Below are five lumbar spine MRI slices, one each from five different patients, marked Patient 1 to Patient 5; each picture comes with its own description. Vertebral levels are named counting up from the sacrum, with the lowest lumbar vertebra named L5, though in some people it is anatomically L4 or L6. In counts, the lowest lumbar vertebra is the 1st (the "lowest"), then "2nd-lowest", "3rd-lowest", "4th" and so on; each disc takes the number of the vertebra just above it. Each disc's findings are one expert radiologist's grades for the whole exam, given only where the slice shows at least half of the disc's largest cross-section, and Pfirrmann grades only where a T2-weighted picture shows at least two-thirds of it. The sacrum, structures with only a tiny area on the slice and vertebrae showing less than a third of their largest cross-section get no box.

Patient 1 of 5:
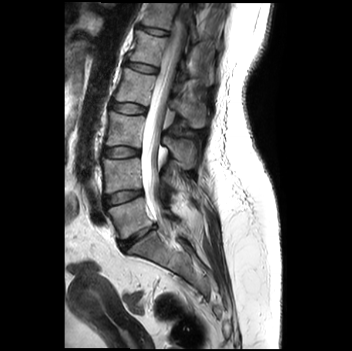 Slice spacing 3.2 mm | MRI lumbar spine (T2-weighted), sagittal plane | Patient sex: F

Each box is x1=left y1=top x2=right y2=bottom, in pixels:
thecal sac / spinal canal: x1=141 y1=3 x2=187 y2=221
L3 vertebra: x1=105 y1=111 x2=195 y2=168
L3/L4: x1=103 y1=147 x2=139 y2=157
T12 vertebra: x1=143 y1=3 x2=198 y2=42
disc L5/S1: x1=119 y1=224 x2=155 y2=249
L4/L5: x1=104 y1=191 x2=142 y2=207
L4 vertebra: x1=102 y1=158 x2=173 y2=193
disc L2/L3: x1=110 y1=101 x2=145 y2=113
disc L1/L2: x1=126 y1=62 x2=157 y2=72
L5 vertebra: x1=107 y1=197 x2=179 y2=238
T12/L1: x1=139 y1=25 x2=168 y2=35
L1 vertebra: x1=130 y1=30 x2=213 y2=84
L2: x1=114 y1=68 x2=205 y2=127

Expert MSK radiologist gradings (per disc):
- L4/L5: Pfirrmann grade 2
- L5/S1: Pfirrmann grade 4, Modic type II, disc narrowing, lower-endplate change, upper-endplate change
- L1/L2: Pfirrmann grade 1
- L3/L4: Pfirrmann grade 1
- T12/L1: Pfirrmann grade 1
- L2/L3: Pfirrmann grade 1

Patient 2 of 5:
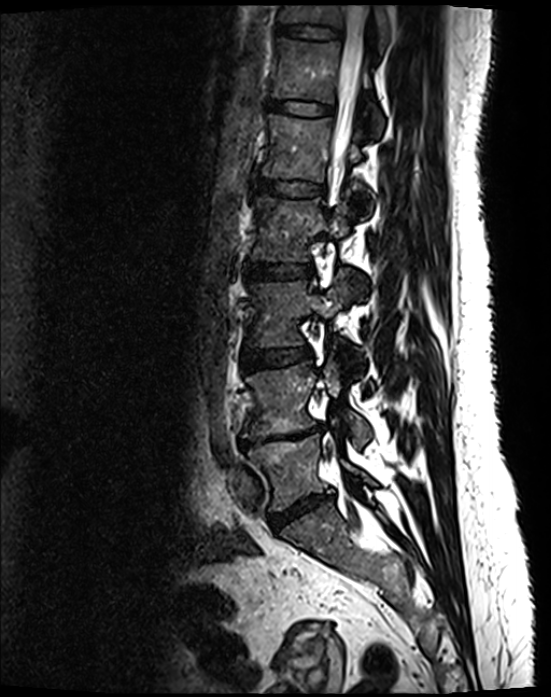

Slice spacing 0.9 mm, Slice 83 of 130, Patient sex: F, Sagittal T2 SPACE (3D) lumbar spine MRI
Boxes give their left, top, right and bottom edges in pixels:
{"spinal canal": "left=329, top=5, right=369, bottom=189", "T12": "left=271, top=37, right=384, bottom=136", "intervertebral disc L1/L2": "left=255, top=178, right=324, bottom=195", "L2/L3": "left=242, top=263, right=313, bottom=279", "L5 vertebra": "left=248, top=435, right=375, bottom=511", "intervertebral disc L5/S1": "left=269, top=495, right=333, bottom=529", "intervertebral disc L4/L5": "left=239, top=424, right=323, bottom=448", "intervertebral disc T12/L1": "left=267, top=99, right=333, bottom=115", "L2 vertebra": "left=249, top=196, right=363, bottom=289", "L4 vertebra": "left=242, top=358, right=370, bottom=446", "T11": "left=279, top=5, right=390, bottom=51", "L1 vertebra": "left=262, top=114, right=373, bottom=209", "intervertebral disc L3/L4": "left=241, top=346, right=311, bottom=369", "L3 vertebra": "left=247, top=273, right=362, bottom=366", "intervertebral disc T11/T12": "left=277, top=25, right=341, bottom=37"}

Degenerative findings by level:
  L3/L4: Pfirrmann grade 2
  L5/S1: disc narrowing, disc bulging
  L4/L5: Pfirrmann grade 5, disc narrowing, Modic type II, lower-endplate change, disc bulging, upper-endplate change
  L2/L3: Pfirrmann grade 2
  L1/L2: Pfirrmann grade 2
  T12/L1: Pfirrmann grade 2
  T11/T12: Pfirrmann grade 2

Patient 3 of 5:
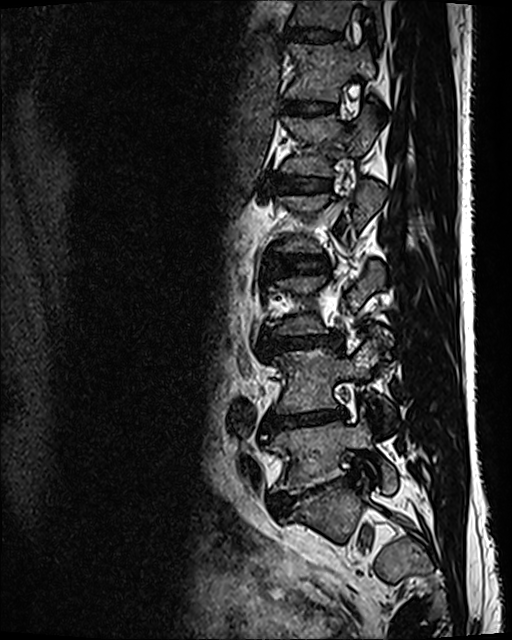 Patient sex: M; Image 512x640; Slice 38 of 120; MRI lumbar spine (T2 SPACE (3D)), sagittal plane
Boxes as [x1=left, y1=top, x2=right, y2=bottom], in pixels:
2nd-lowest disc at [x1=267, y1=408, x2=346, y2=430].
7th disc at [x1=283, y1=28, x2=342, y2=42].
Lowest disc at [x1=271, y1=480, x2=335, y2=513].
4th disc at [x1=272, y1=255, x2=324, y2=276].
5th disc at [x1=270, y1=175, x2=330, y2=192].
2nd-lowest vertebra at [x1=273, y1=333, x2=391, y2=424].
6th vertebra at [x1=285, y1=42, x2=375, y2=101].
7th vertebra at [x1=289, y1=0, x2=384, y2=43].
Lowest vertebra at [x1=267, y1=406, x2=396, y2=494].
5th vertebra at [x1=281, y1=107, x2=378, y2=176].
6th disc at [x1=282, y1=99, x2=335, y2=115].
3rd-lowest disc at [x1=262, y1=335, x2=327, y2=350].

Per-level radiological findings:
• 5th disc: Pfirrmann grade 2
• 6th disc: Pfirrmann grade 2
• 2nd-lowest disc: Pfirrmann grade 5, lower-endplate change, Modic type II, disc bulging, disc narrowing
• 3rd-lowest disc: disc bulging, disc narrowing
• 7th disc: Pfirrmann grade 2
• 4th disc: no herniation, bulging, narrowing, spondylolisthesis, endplate or Modic change recorded

Patient 4 of 5:
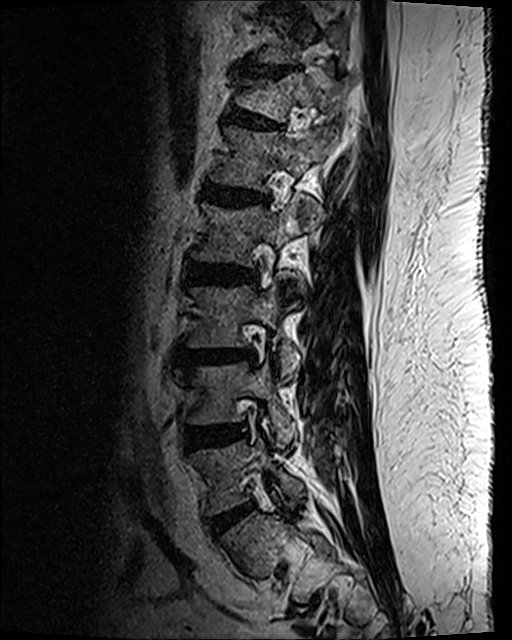

Sagittal slice index 78; Lumbar spine MR, T2 SPACE (3D), sagittal; Patient sex: M
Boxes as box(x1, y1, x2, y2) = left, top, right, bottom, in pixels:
L3/L4 (3rd-lowest disc) at box(182, 351, 254, 365); disc L2/L3 (4th disc) at box(186, 264, 257, 285); L3 (3rd-lowest vertebra) at box(189, 279, 299, 381); L4 (2nd-lowest vertebra) at box(188, 364, 296, 444); disc L5/S1 (lowest disc) at box(208, 503, 254, 537); disc T12/L1 (6th disc) at box(228, 108, 281, 130); disc T11/T12 (7th disc) at box(240, 65, 290, 78); L2 (4th vertebra) at box(195, 200, 300, 306); L1 (5th vertebra) at box(211, 127, 335, 192); L5 (lowest vertebra) at box(193, 440, 303, 513); T12 (6th vertebra) at box(235, 73, 347, 122); L1/L2 (5th disc) at box(203, 183, 268, 207); L4/L5 (2nd-lowest disc) at box(186, 426, 242, 450).

Degenerative findings by level:
  T12/L1 (6th disc): upper-endplate change, lower-endplate change, spondylolisthesis, disc bulging
  L1/L2 (5th disc): Pfirrmann grade 3, disc bulging, lower-endplate change, Modic type II, disc narrowing, upper-endplate change
  L3/L4 (3rd-lowest disc): disc bulging, upper-endplate change, Modic type II, lower-endplate change
  L2/L3 (4th disc): Pfirrmann grade 3, lower-endplate change, disc bulging
  L4/L5 (2nd-lowest disc): disc bulging, disc narrowing

Patient 5 of 5:
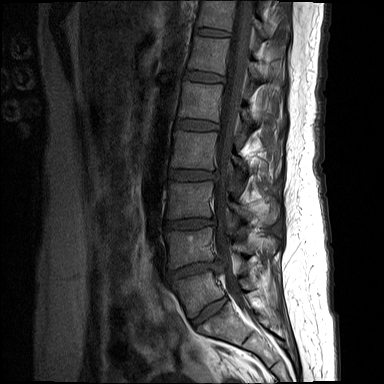

Sagittal T1-weighted lumbar spine MRI.

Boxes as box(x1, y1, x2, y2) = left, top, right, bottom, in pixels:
4th disc: box(169, 170, 214, 180)
2nd-lowest vertebra: box(165, 227, 271, 268)
4th vertebra: box(171, 130, 247, 169)
spinal canal: box(214, 0, 252, 311)
7th vertebra: box(197, 0, 286, 41)
3rd-lowest vertebra: box(166, 181, 279, 224)
lowest vertebra: box(172, 271, 254, 317)
3rd-lowest disc: box(164, 218, 214, 228)
7th disc: box(195, 28, 229, 35)
5th disc: box(176, 119, 218, 130)
6th disc: box(185, 71, 223, 81)
5th vertebra: box(178, 81, 253, 123)
lowest disc: box(191, 297, 227, 328)
2nd-lowest disc: box(168, 261, 225, 279)
6th vertebra: box(188, 35, 283, 79)

Per-level radiological findings:
• 3rd-lowest disc: upper-endplate change, disc bulging
• 4th disc: disc bulging
• 2nd-lowest disc: Modic type II, disc herniation, lower-endplate change, disc narrowing, upper-endplate change
• 5th disc, 6th disc, 7th disc, lowest disc: no spondylolisthesis, narrowing, bulging, herniation, Modic or endplate change recorded